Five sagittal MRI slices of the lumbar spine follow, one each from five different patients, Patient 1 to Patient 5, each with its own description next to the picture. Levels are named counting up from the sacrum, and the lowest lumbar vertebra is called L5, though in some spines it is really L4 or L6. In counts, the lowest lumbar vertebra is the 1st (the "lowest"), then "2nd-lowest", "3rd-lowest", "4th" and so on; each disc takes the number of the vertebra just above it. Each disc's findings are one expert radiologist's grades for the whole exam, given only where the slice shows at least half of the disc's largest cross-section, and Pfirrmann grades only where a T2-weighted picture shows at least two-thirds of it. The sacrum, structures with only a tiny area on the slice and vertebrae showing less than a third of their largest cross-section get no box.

Patient 1 of 5:
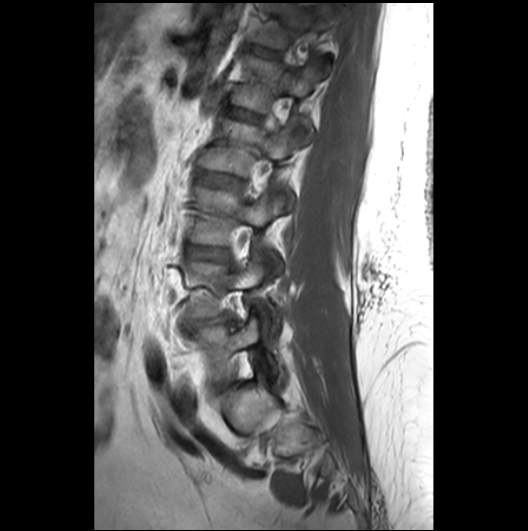 Lumbar spine MR, T1-weighted, sagittal. 528x531 px.
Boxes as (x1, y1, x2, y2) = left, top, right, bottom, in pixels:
{"L1/L2 (5th disc)": "(220, 104, 259, 120)", "L5/S1 (lowest disc)": "(212, 380, 230, 391)", "L1 (5th vertebra)": "(228, 55, 328, 140)", "L2 (4th vertebra)": "(198, 117, 295, 211)", "T12/L1 (6th disc)": "(245, 44, 277, 56)", "L3/L4 (3rd-lowest disc)": "(187, 245, 227, 257)", "intervertebral disc L4/L5 (2nd-lowest disc)": "(181, 313, 233, 329)", "L3 (3rd-lowest vertebra)": "(190, 189, 286, 275)", "L2/L3 (4th disc)": "(197, 171, 232, 184)", "L4 (2nd-lowest vertebra)": "(184, 256, 279, 333)", "L5 (lowest vertebra)": "(191, 316, 279, 381)", "T12 (6th vertebra)": "(250, 1, 333, 48)"}

Radiological gradings:
• L1/L2 (5th disc): no herniation, bulging, narrowing, spondylolisthesis, endplate or Modic change recorded

Patient 2 of 5:
SIEMENS Avanto_fit (1.5T). T1-weighted sagittal MRI of the lumbar spine. Patient sex: F.
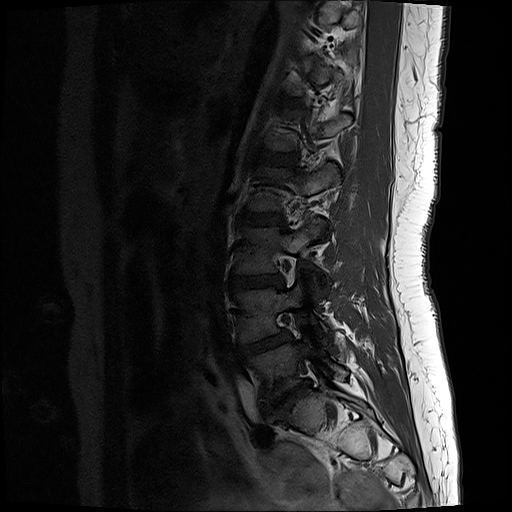

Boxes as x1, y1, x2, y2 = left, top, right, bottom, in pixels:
{"L5": "254, 340, 346, 401", "L3 vertebra": "240, 220, 326, 273", "intervertebral disc L4/L5": "240, 331, 288, 357", "L1/L2": "257, 152, 294, 164", "intervertebral disc L5/S1": "263, 381, 310, 413", "L4 vertebra": "241, 283, 305, 340", "L2/L3": "243, 213, 281, 224", "intervertebral disc L3/L4": "233, 274, 282, 289"}

Per-level radiological findings:
- L3/L4: disc bulging
- L4/L5: disc bulging
- L1/L2, L2/L3: no spondylolisthesis, narrowing, bulging, herniation, Modic or endplate change recorded

Patient 3 of 5:
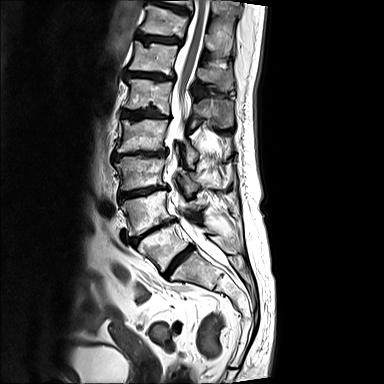 Image 384x384. Lumbar spine MR, T2-weighted, sagittal.

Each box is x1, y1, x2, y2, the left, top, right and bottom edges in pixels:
Segmented structures:
• T11: 141, 4, 231, 56
• L1 vertebra: 124, 78, 232, 127
• L3 vertebra: 114, 155, 198, 194
• L4/L5: 129, 220, 175, 243
• L5 vertebra: 137, 223, 214, 271
• spinal canal: 167, 0, 225, 265
• L5/S1: 163, 245, 193, 277
• L4: 121, 191, 235, 235
• IVD L3/L4: 119, 187, 166, 199
• IVD L1/L2: 122, 109, 170, 119
• L2 vertebra: 116, 119, 229, 166
• IVD T10/T11: 146, 0, 189, 14
• T12: 129, 41, 233, 90
• T11/T12: 136, 32, 181, 44
• T10: 163, 0, 221, 13
• L2/L3: 112, 149, 166, 160
• T12/L1: 124, 71, 174, 80

Radiological gradings:
• L1/L2: Pfirrmann grade 5, Modic type II, upper-endplate change, disc bulging, disc narrowing, lower-endplate change
• T12/L1: Pfirrmann grade 5, upper-endplate change, disc bulging, disc narrowing, lower-endplate change, Modic type II
• L2/L3: Pfirrmann grade 5, disc narrowing, upper-endplate change, lower-endplate change, disc bulging, Modic type II
• L5/S1: Pfirrmann grade 5, lower-endplate change, Modic type II, upper-endplate change, disc bulging, disc narrowing
• T11/T12: Pfirrmann grade 4, lower-endplate change, upper-endplate change, disc bulging, Modic type II
• L3/L4: Pfirrmann grade 5, disc narrowing, Modic type II, lower-endplate change, disc bulging, upper-endplate change
• L4/L5: Pfirrmann grade 5, lower-endplate change, Modic type II, disc narrowing, upper-endplate change, disc bulging
• T10/T11: Pfirrmann grade 4, disc bulging

Patient 4 of 5:
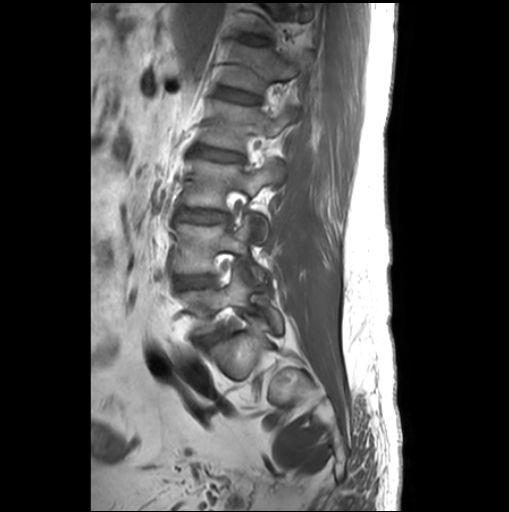
Image 509x512. Field of view 280x282 mm. Patient sex: M. Sagittal T1-weighted lumbar spine MRI.

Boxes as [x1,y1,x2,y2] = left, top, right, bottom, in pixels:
• disc L2/L3 = [196,145,242,160]
• disc L4/L5 = [175,276,211,288]
• L1/L2 = [218,87,258,103]
• T12/L1 = [240,34,266,43]
• L5/S1 = [198,331,220,348]
• L5 vertebra = [178,268,282,335]
• disc L3/L4 = [179,208,227,222]
• L4 = [174,215,265,283]
• L1 = [223,43,312,92]
• L3 = [182,158,283,244]
• L2 = [202,100,297,150]

Per-level radiological findings:
  L1/L2: lower-endplate change, upper-endplate change
  L2/L3: disc bulging, lower-endplate change, upper-endplate change
  L3/L4: no spondylolisthesis, narrowing, bulging, herniation, Modic or endplate change recorded

Patient 5 of 5:
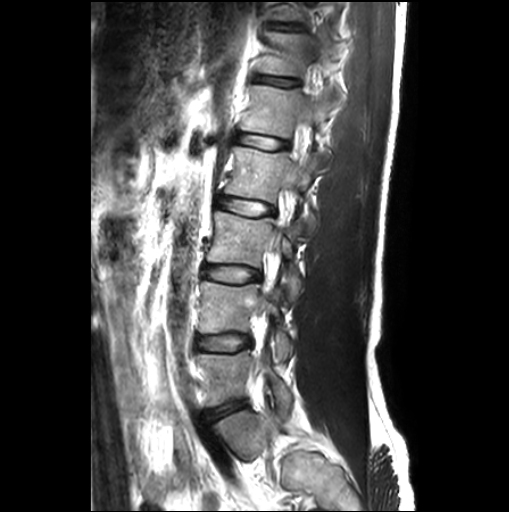 Lumbar spine MR, T2-weighted, sagittal

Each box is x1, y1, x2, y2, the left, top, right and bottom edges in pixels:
Intervertebral disc L5/S1 (lowest disc): 206, 401, 245, 419.
Thecal sac / spinal canal: 259, 95, 314, 310.
T11/T12 (7th disc): 266, 22, 306, 30.
L1/L2 (5th disc): 238, 133, 289, 149.
L3 (3rd-lowest vertebra): 207, 208, 301, 301.
L4/L5 (2nd-lowest disc): 194, 334, 250, 350.
Intervertebral disc T12/L1 (6th disc): 254, 75, 300, 86.
L1 (5th vertebra): 240, 84, 331, 161.
L4 (2nd-lowest vertebra): 198, 281, 292, 363.
Intervertebral disc L3/L4 (3rd-lowest disc): 201, 264, 259, 281.
L5 (lowest vertebra): 196, 343, 291, 420.
L2/L3 (4th disc): 217, 196, 273, 215.
T12 (6th vertebra): 255, 30, 337, 77.
L2 (4th vertebra): 224, 146, 323, 235.

Radiological gradings:
• L3/L4 (3rd-lowest disc): Pfirrmann grade 1
• T12/L1 (6th disc): Pfirrmann grade 1, upper-endplate change, lower-endplate change
• L2/L3 (4th disc): Pfirrmann grade 1
• L4/L5 (2nd-lowest disc): Pfirrmann grade 1
• T11/T12 (7th disc): upper-endplate change, lower-endplate change
• L1/L2 (5th disc): Pfirrmann grade 1, Modic type II
• L5/S1 (lowest disc): no herniation, bulging, narrowing, spondylolisthesis, endplate or Modic change recorded